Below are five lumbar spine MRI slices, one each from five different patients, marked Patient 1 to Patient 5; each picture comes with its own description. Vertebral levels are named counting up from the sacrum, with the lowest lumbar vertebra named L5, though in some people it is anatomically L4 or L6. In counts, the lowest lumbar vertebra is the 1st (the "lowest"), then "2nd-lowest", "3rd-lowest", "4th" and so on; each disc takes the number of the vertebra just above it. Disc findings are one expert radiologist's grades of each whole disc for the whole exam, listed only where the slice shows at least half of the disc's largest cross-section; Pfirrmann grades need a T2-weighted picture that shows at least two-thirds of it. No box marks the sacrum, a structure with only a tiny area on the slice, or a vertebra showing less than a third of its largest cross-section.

Patient 1 of 5:
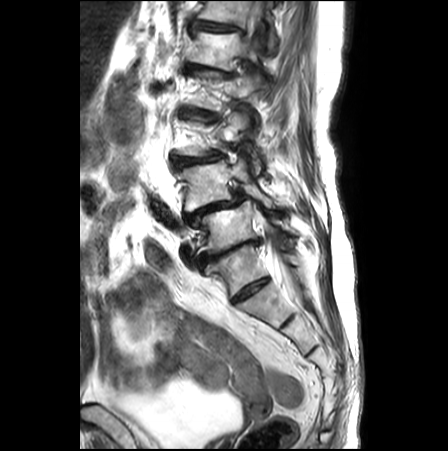

MRI lumbar spine (T2-weighted), sagittal plane. Field of view 280x282 mm, slice spacing 3.3 mm.

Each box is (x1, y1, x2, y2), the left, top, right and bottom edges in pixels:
5th disc = (186, 63, 233, 76).
Spinal canal = (244, 0, 301, 299).
4th vertebra = (193, 68, 259, 125).
Lowest disc = (198, 240, 258, 265).
4th disc = (182, 109, 218, 119).
Lowest vertebra = (199, 200, 298, 252).
5th vertebra = (188, 30, 264, 72).
6th disc = (190, 19, 245, 34).
3rd-lowest vertebra = (178, 110, 261, 174).
2nd-lowest vertebra = (178, 154, 275, 211).
6th vertebra = (197, 1, 276, 53).
2nd-lowest disc = (185, 189, 245, 226).
3rd-lowest disc = (174, 154, 222, 168).

Radiological gradings:
• 6th disc: Pfirrmann grade 4, lower-endplate change, disc bulging, upper-endplate change
• lowest disc: upper-endplate change, disc bulging, Modic type II, disc herniation, lower-endplate change, disc narrowing
• 2nd-lowest disc: Pfirrmann grade 5, disc narrowing, spondylolisthesis, disc herniation, upper-endplate change, disc bulging, Modic type II, lower-endplate change
• 5th disc: disc narrowing, disc bulging, lower-endplate change

Patient 2 of 5:
Lumbar spine MR, T2-weighted, sagittal. Patient sex: F. Image 603x610. 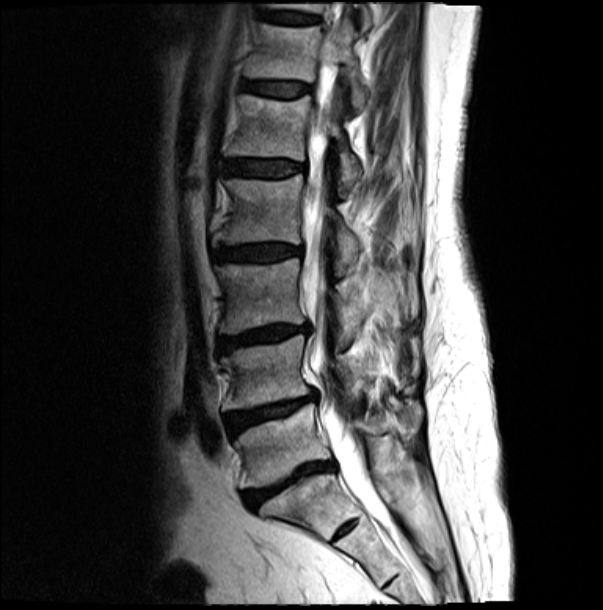

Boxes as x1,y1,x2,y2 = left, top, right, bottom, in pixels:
thecal sac / spinal canal = 303,50,390,529 | 7th vertebra = 265,2,371,30 | 4th vertebra = 213,174,358,275 | 3rd-lowest vertebra = 217,258,361,344 | 2nd-lowest disc = 226,394,314,435 | 6th disc = 243,82,308,98 | lowest vertebra = 235,404,420,488 | 6th vertebra = 246,19,369,110 | 7th disc = 260,11,314,23 | 5th vertebra = 228,94,360,190 | 4th disc = 213,244,300,260 | lowest disc = 245,463,332,506 | 2nd-lowest vertebra = 221,335,365,409 | 3rd-lowest disc = 218,325,308,349 | 5th disc = 226,160,302,175

Per-level radiological findings:
• 5th disc: Pfirrmann grade 4, lower-endplate change, disc bulging, upper-endplate change, Modic type II
• lowest disc: Pfirrmann grade 5, disc narrowing, lower-endplate change, upper-endplate change, Modic type II, disc bulging
• 7th disc: Pfirrmann grade 3, Modic type II
• 4th disc: Pfirrmann grade 4, disc bulging, lower-endplate change, Modic type II, upper-endplate change
• 2nd-lowest disc: Pfirrmann grade 4, disc narrowing, Modic type II, upper-endplate change, disc bulging, lower-endplate change
• 3rd-lowest disc: Pfirrmann grade 4, disc narrowing, disc bulging, Modic type II, upper-endplate change, lower-endplate change
• 6th disc: Pfirrmann grade 3, lower-endplate change, Modic type II, upper-endplate change

Patient 3 of 5:
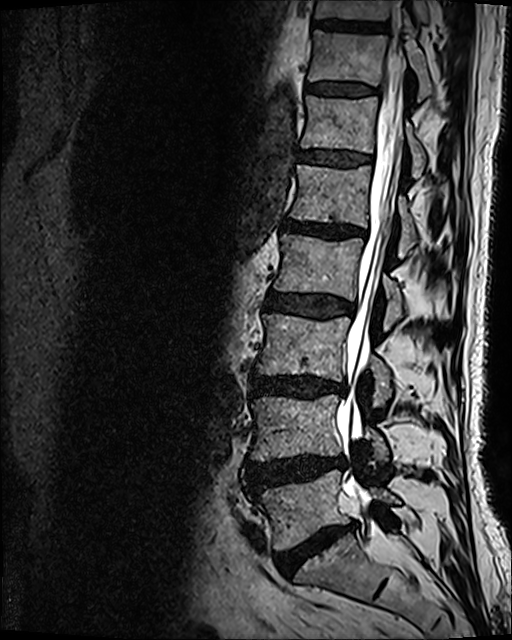 Lumbar spine MR, T2 SPACE (3D), sagittal, Field of view 240x300 mm, Slice 55 of 120, Image 512x640
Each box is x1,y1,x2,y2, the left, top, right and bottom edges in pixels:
4th vertebra = 273,234,402,330.
6th disc = 298,151,371,166.
3rd-lowest disc = 251,375,346,398.
6th vertebra = 301,95,425,177.
3rd-lowest vertebra = 257,313,391,405.
8th disc = 313,19,385,33.
Lowest vertebra = 254,470,399,550.
2nd-lowest disc = 246,454,346,490.
8th vertebra = 313,0,429,28.
5th disc = 283,220,365,238.
5th vertebra = 290,164,416,256.
2nd-lowest vertebra = 251,395,388,463.
7th vertebra = 308,31,432,100.
7th disc = 307,84,375,94.
Lowest disc = 275,523,354,576.
4th disc = 264,291,354,319.
Spinal canal = 335,36,405,532.

Radiological gradings:
• 2nd-lowest disc: Pfirrmann grade 4, disc herniation, disc bulging
• 7th disc: Pfirrmann grade 3
• 3rd-lowest disc: Pfirrmann grade 4, disc bulging, disc narrowing, lower-endplate change, Modic type II
• 6th disc: Pfirrmann grade 3
• 5th disc: Pfirrmann grade 4, upper-endplate change, Modic type II, disc narrowing, lower-endplate change, disc bulging
• 4th disc: Pfirrmann grade 3, disc bulging
• lowest disc: Pfirrmann grade 5, lower-endplate change, disc bulging, disc narrowing, Modic type II

Patient 4 of 5:
MRI lumbar spine (T2-weighted), sagittal plane. Sex F. Scanner: Philips Healthcare Ingenia (3T). 726x719 px.

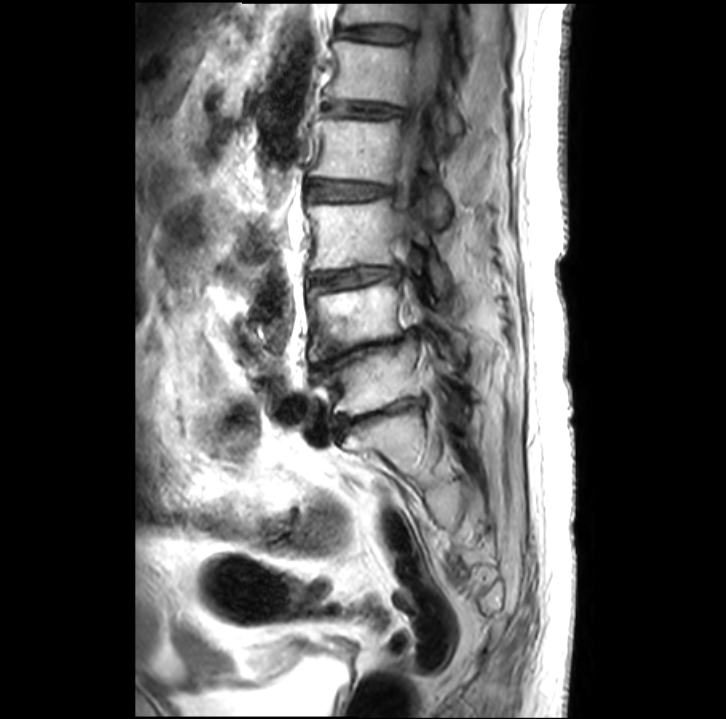
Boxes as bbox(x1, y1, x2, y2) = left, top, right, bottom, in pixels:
T12/L1: bbox(339, 26, 412, 41)
T12 vertebra: bbox(339, 3, 472, 55)
L3 vertebra: bbox(307, 199, 450, 294)
intervertebral disc L1/L2: bbox(324, 101, 403, 115)
L2: bbox(310, 114, 450, 224)
L5: bbox(313, 340, 474, 415)
L4/L5: bbox(312, 330, 416, 369)
thecal sac / spinal canal: bbox(404, 3, 449, 173)
L1: bbox(324, 38, 462, 136)
intervertebral disc L5/S1: bbox(334, 397, 424, 432)
L4 vertebra: bbox(309, 278, 468, 360)
L2/L3: bbox(309, 180, 390, 198)
L3/L4: bbox(309, 266, 398, 289)

Per-level radiological findings:
- L2/L3: Pfirrmann grade 2
- L4/L5: Pfirrmann grade 5, disc narrowing
- L3/L4: Pfirrmann grade 3, Modic type II, disc narrowing
- L1/L2: Pfirrmann grade 4, disc bulging, disc narrowing
- T12/L1: Pfirrmann grade 2, disc bulging
- L5/S1: Pfirrmann grade 5, disc narrowing, Modic type II

Patient 5 of 5:
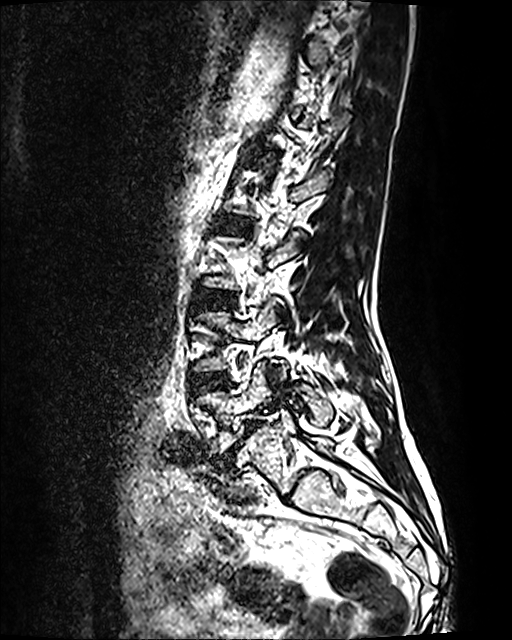
Image 512x640 | Patient sex: F | T2 SPACE (3D) sagittal MRI of the lumbar spine
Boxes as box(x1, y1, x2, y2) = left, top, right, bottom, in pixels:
Segmented structures:
* L5: box(201, 363, 332, 456)
* L4 vertebra: box(195, 301, 285, 379)
* IVD L3/L4: box(194, 290, 230, 309)
* L4/L5: box(191, 373, 225, 392)
* IVD L2/L3: box(219, 216, 239, 230)
* IVD L5/S1: box(213, 421, 261, 469)

Expert MSK radiologist gradings (per disc):
• L5/S1: disc narrowing, disc bulging, Modic type II, spondylolisthesis